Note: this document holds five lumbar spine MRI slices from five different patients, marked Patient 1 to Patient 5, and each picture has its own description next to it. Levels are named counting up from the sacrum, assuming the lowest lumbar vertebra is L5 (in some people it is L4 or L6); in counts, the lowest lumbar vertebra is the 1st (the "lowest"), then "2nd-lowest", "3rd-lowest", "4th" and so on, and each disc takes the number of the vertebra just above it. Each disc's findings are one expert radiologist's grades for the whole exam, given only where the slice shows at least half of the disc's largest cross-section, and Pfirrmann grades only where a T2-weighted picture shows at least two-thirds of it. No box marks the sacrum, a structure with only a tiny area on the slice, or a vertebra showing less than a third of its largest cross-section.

Patient 1 of 5:
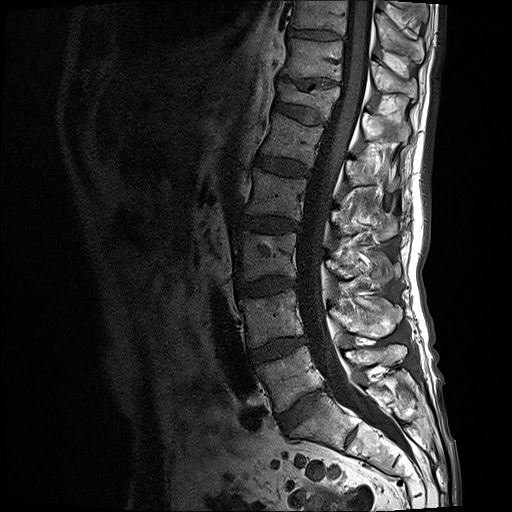 Slice 10/17; Image 512x512; MRI lumbar spine (T1-weighted), sagittal plane
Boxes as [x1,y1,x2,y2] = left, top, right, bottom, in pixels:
2nd-lowest vertebra at [239,288,402,346], lowest vertebra at [257,345,406,410], 4th vertebra at [247,168,395,238], 7th disc at [298,79,332,90], 2nd-lowest disc at [250,337,306,363], thecal sac / spinal canal at [295,0,401,443], 5th disc at [255,154,309,174], 7th vertebra at [281,39,417,100], 8th disc at [288,29,338,38], lowest disc at [278,391,318,434], 5th vertebra at [262,112,365,186], 6th disc at [274,99,325,123], 3rd-lowest vertebra at [235,231,392,281], 8th vertebra at [293,0,424,62], 3rd-lowest disc at [236,277,297,294], 6th vertebra at [276,83,409,139], 4th disc at [239,215,301,233].

Degenerative findings by level:
• lowest disc: disc narrowing, disc bulging
• 7th disc: upper-endplate change, lower-endplate change, disc narrowing
• 3rd-lowest disc: disc bulging, Modic type II, disc narrowing
• 2nd-lowest disc: disc bulging, Modic type II
• 6th disc: lower-endplate change, upper-endplate change
• 4th disc: disc bulging, Modic type II
• 8th disc, 5th disc: no spondylolisthesis, narrowing, bulging, herniation, Modic or endplate change recorded

Patient 2 of 5:
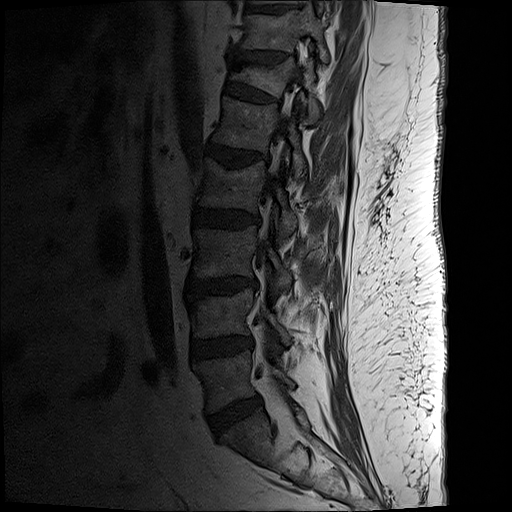 T1-weighted sagittal MRI of the lumbar spine; Sagittal slice index 12; Patient sex: M
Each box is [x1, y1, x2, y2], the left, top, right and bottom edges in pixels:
8th disc at [246, 7, 289, 14], 5th vertebra at [213, 98, 305, 178], 3rd-lowest disc at [193, 279, 257, 297], spinal canal at [254, 95, 294, 372], 2nd-lowest disc at [191, 338, 253, 359], 7th disc at [235, 52, 288, 65], 6th disc at [224, 82, 276, 103], lowest disc at [209, 396, 261, 435], 6th vertebra at [230, 59, 318, 120], 5th disc at [206, 144, 257, 168], lowest vertebra at [195, 350, 293, 412], 4th disc at [194, 209, 259, 229], 4th vertebra at [199, 159, 297, 234], 2nd-lowest vertebra at [194, 290, 291, 345], 7th vertebra at [242, 11, 328, 61], 3rd-lowest vertebra at [194, 226, 291, 292].

Radiological gradings:
• 7th disc: lower-endplate change, disc narrowing, disc bulging, upper-endplate change
• lowest disc: disc bulging
• 5th disc: lower-endplate change, Modic type II, disc bulging, disc narrowing, upper-endplate change
• 4th disc: disc bulging, lower-endplate change
• 6th disc: spondylolisthesis, disc bulging, lower-endplate change, upper-endplate change
• 2nd-lowest disc: disc narrowing, disc bulging
• 3rd-lowest disc: Modic type II, upper-endplate change, disc bulging, lower-endplate change

Patient 3 of 5:
Sagittal T1-weighted lumbar spine MRI, Image 545x549, Slice 12 of 27, Scanner: Philips Healthcare Ingenia (3T), Sex F 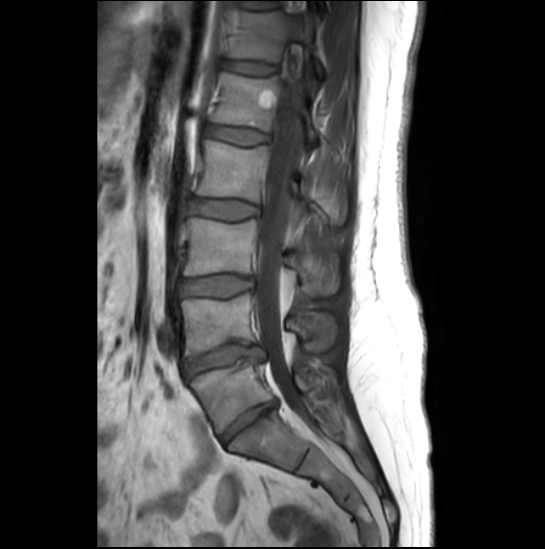
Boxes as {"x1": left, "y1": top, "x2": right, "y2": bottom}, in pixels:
L4 vertebra at {"x1": 180, "y1": 294, "x2": 337, "y2": 354}.
L2 vertebra at {"x1": 197, "y1": 141, "x2": 302, "y2": 202}.
L3 vertebra at {"x1": 184, "y1": 218, "x2": 340, "y2": 295}.
L2/L3 at {"x1": 190, "y1": 200, "x2": 257, "y2": 219}.
Disc L4/L5 at {"x1": 184, "y1": 343, "x2": 262, "y2": 375}.
L1 vertebra at {"x1": 210, "y1": 73, "x2": 316, "y2": 145}.
Disc L5/S1 at {"x1": 221, "y1": 402, "x2": 275, "y2": 442}.
Thecal sac / spinal canal at {"x1": 254, "y1": 28, "x2": 309, "y2": 424}.
T12/L1 at {"x1": 223, "y1": 61, "x2": 278, "y2": 75}.
L3/L4 at {"x1": 180, "y1": 276, "x2": 251, "y2": 297}.
Disc L1/L2 at {"x1": 206, "y1": 125, "x2": 268, "y2": 145}.
T12 at {"x1": 230, "y1": 9, "x2": 323, "y2": 79}.
L5 at {"x1": 191, "y1": 360, "x2": 335, "y2": 432}.

Radiological gradings:
• L5/S1: disc narrowing
• L4/L5: disc narrowing, lower-endplate change, Modic type II, upper-endplate change, disc herniation
• L2/L3, T12/L1, L1/L2, L3/L4: no herniation, bulging, narrowing, spondylolisthesis, endplate or Modic change recorded

Patient 4 of 5:
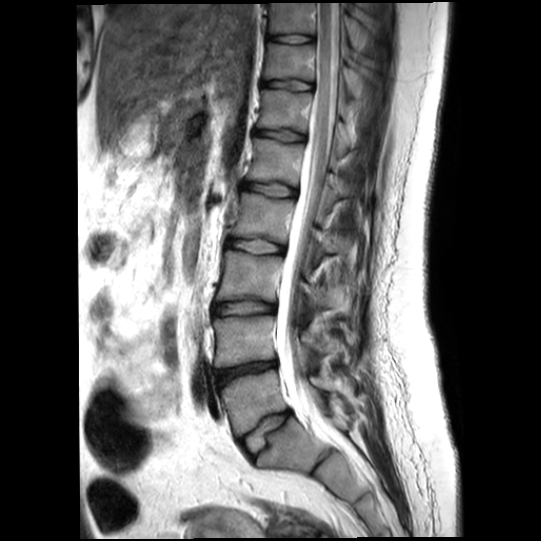 Patient sex: F; MRI lumbar spine (T2-weighted), sagittal plane; Slice spacing 4.4 mm
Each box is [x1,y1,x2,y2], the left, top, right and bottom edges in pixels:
• L5/S1: [242,411,290,454]
• intervertebral disc L4/L5: [217,361,276,384]
• intervertebral disc T11/T12: [261,79,312,90]
• T10/T11: [266,33,314,43]
• L3 vertebra: [216,250,334,307]
• intervertebral disc L1/L2: [242,182,296,196]
• T11 vertebra: [262,42,359,95]
• L2/L3: [226,238,283,253]
• L5: [221,370,332,434]
• T10: [268,3,369,51]
• L1: [248,138,342,200]
• L3/L4: [213,301,276,314]
• L2 vertebra: [230,193,335,252]
• T12/L1: [254,130,304,140]
• thecal sac / spinal canal: [277,3,340,430]
• T12 vertebra: [256,90,350,156]
• L4: [214,315,339,366]

Radiological gradings:
  L4/L5: Pfirrmann grade 5, lower-endplate change, disc narrowing, disc bulging, upper-endplate change
  L3/L4: Pfirrmann grade 2, disc bulging, disc narrowing, upper-endplate change, lower-endplate change
  L5/S1: Pfirrmann grade 2, disc narrowing, lower-endplate change, upper-endplate change, disc bulging
  T10/T11: Pfirrmann grade 1
  T12/L1: Pfirrmann grade 1, lower-endplate change
  L2/L3: Pfirrmann grade 1, lower-endplate change
  T11/T12: Pfirrmann grade 1, lower-endplate change
  L1/L2: Pfirrmann grade 1, lower-endplate change

Patient 5 of 5:
Slice 10/17. Patient sex: M. Lumbar spine MR, T1-weighted, sagittal.
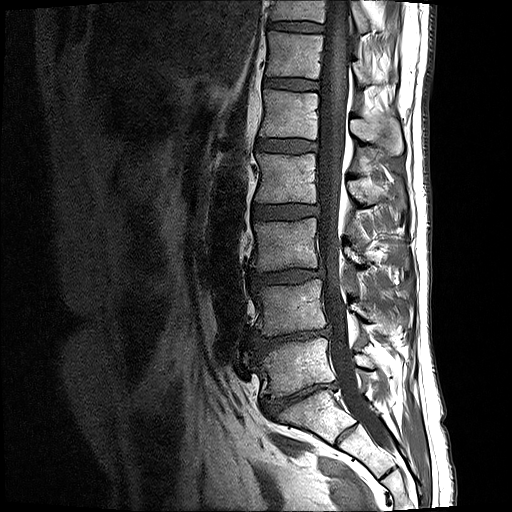

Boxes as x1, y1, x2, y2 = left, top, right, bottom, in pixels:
5th vertebra at 259, 89, 404, 154; 7th disc at 269, 21, 323, 31; 3rd-lowest vertebra at 250, 218, 387, 282; 6th vertebra at 266, 31, 395, 85; 6th disc at 265, 78, 319, 89; lowest disc at 261, 382, 337, 418; 2nd-lowest vertebra at 252, 278, 411, 336; 2nd-lowest disc at 253, 328, 329, 357; spinal canal at 317, 0, 390, 448; 7th vertebra at 271, 0, 368, 32; 5th disc at 257, 139, 317, 153; 4th vertebra at 255, 153, 405, 212; 3rd-lowest disc at 248, 269, 323, 286; lowest vertebra at 259, 337, 376, 397; 4th disc at 253, 204, 318, 219.

Expert MSK radiologist gradings (per disc):
- 3rd-lowest disc: disc bulging, disc narrowing
- 2nd-lowest disc: disc bulging, lower-endplate change, disc narrowing, Modic type II
- lowest disc: lower-endplate change, disc narrowing, disc bulging, spondylolisthesis
- 6th disc, 4th disc, 5th disc, 7th disc: no herniation, bulging, narrowing, spondylolisthesis, endplate or Modic change recorded